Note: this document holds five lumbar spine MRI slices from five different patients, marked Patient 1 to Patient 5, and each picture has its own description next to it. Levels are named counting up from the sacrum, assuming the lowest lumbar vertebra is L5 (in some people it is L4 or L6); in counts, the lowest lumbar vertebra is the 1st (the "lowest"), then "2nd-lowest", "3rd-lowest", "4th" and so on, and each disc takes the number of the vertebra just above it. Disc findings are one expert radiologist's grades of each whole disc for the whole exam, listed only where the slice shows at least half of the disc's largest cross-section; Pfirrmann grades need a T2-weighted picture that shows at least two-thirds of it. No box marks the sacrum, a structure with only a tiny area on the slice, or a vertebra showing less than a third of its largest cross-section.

Patient 1 of 5:
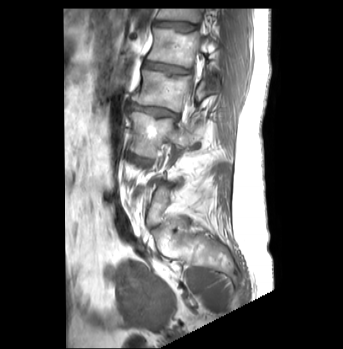 Slice 14 of 43 | Field of view 285x291 mm, slice spacing 3.2 mm | 343x349 px | Sagittal T1-weighted lumbar spine MRI

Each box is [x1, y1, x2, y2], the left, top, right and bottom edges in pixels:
4th vertebra: [133, 70, 221, 111].
3rd-lowest vertebra: [130, 111, 193, 158].
4th disc: [129, 102, 177, 120].
5th disc: [143, 60, 188, 74].
6th disc: [155, 21, 196, 31].
Thecal sac / spinal canal: [188, 65, 195, 89].
6th vertebra: [157, 9, 203, 22].
3rd-lowest disc: [128, 153, 151, 164].
5th vertebra: [147, 27, 219, 67].

Expert MSK radiologist gradings (per disc):
- 6th disc: upper-endplate change
- 4th disc: disc narrowing, Modic type II, disc bulging, lower-endplate change
- 5th disc: upper-endplate change

Patient 2 of 5:
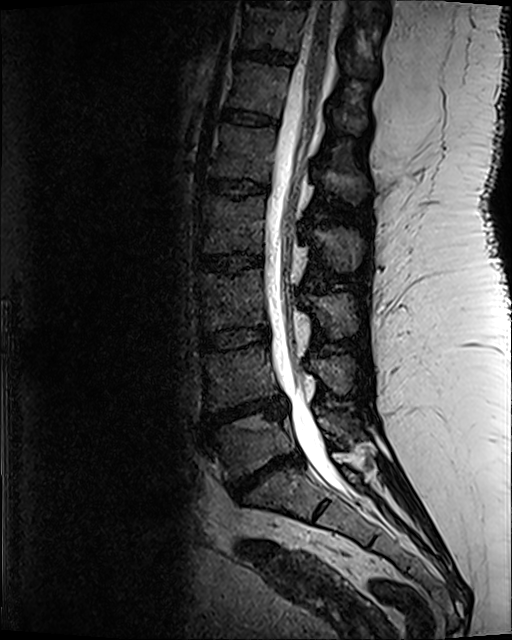 Field of view 240x300 mm, slice spacing 0.9 mm, Lumbar spine MR, T2 SPACE (3D), sagittal, Image 512x640
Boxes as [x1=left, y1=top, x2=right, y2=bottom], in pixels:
- 3rd-lowest disc = [x1=201, y1=328, x2=269, y2=350]
- 7th vertebra = [x1=243, y1=5, x2=374, y2=76]
- 4th disc = [x1=197, y1=255, x2=262, y2=273]
- 2nd-lowest disc = [x1=206, y1=397, x2=286, y2=423]
- thecal sac / spinal canal = [x1=265, y1=1, x2=357, y2=497]
- 6th disc = [x1=223, y1=109, x2=276, y2=123]
- 8th disc = [x1=255, y1=0, x2=309, y2=6]
- 3rd-lowest vertebra = [x1=198, y1=270, x2=356, y2=337]
- 6th vertebra = [x1=229, y1=63, x2=365, y2=133]
- 2nd-lowest vertebra = [x1=205, y1=347, x2=353, y2=409]
- 5th vertebra = [x1=212, y1=124, x2=367, y2=203]
- lowest disc = [x1=228, y1=452, x2=301, y2=499]
- lowest vertebra = [x1=211, y1=414, x2=349, y2=477]
- 5th disc = [x1=207, y1=178, x2=267, y2=194]
- 7th disc = [x1=238, y1=50, x2=290, y2=63]
- 4th vertebra = [x1=200, y1=197, x2=363, y2=270]

Expert MSK radiologist gradings (per disc):
  6th disc: Pfirrmann grade 3
  5th disc: Pfirrmann grade 3, lower-endplate change
  2nd-lowest disc: Pfirrmann grade 5, Modic type II, upper-endplate change, disc herniation, lower-endplate change, disc narrowing
  4th disc: Pfirrmann grade 3, upper-endplate change, lower-endplate change
  7th disc: Pfirrmann grade 3, lower-endplate change
  lowest disc: Pfirrmann grade 5, lower-endplate change, disc narrowing, Modic type II, disc herniation, upper-endplate change
  3rd-lowest disc: Pfirrmann grade 3

Patient 3 of 5:
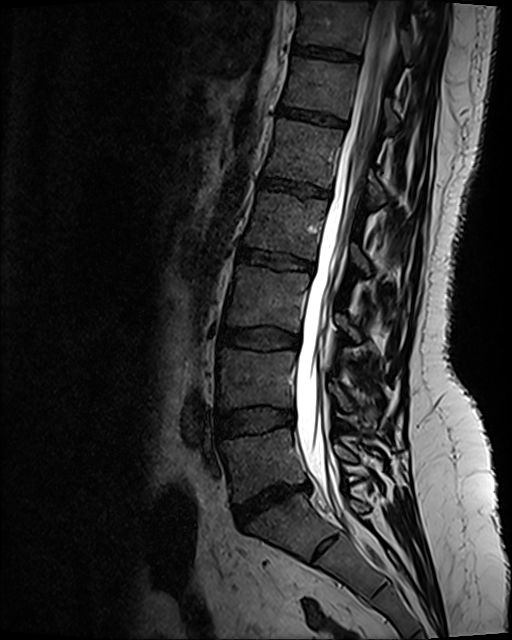
Lumbar spine MR, T2 SPACE (3D), sagittal. Slice 64/120. Slice spacing 0.9 mm.

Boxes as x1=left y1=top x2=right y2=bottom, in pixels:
Structures:
* L4/L5 — x1=216 y1=408 x2=293 y2=438
* IVD L5/S1 — x1=233 y1=485 x2=307 y2=528
* L1/L2 — x1=261 y1=179 x2=329 y2=198
* T11 — x1=298 y1=3 x2=410 y2=60
* L5 vertebra — x1=222 y1=429 x2=354 y2=501
* IVD L2/L3 — x1=238 y1=249 x2=314 y2=271
* L3/L4 — x1=221 y1=329 x2=298 y2=349
* IVD T12/L1 — x1=278 y1=106 x2=344 y2=129
* L2 — x1=245 y1=193 x2=369 y2=272
* L4 vertebra — x1=219 y1=349 x2=377 y2=424
* T12 — x1=285 y1=59 x2=398 y2=132
* spinal canal — x1=296 y1=1 x2=394 y2=509
* L3 — x1=227 y1=267 x2=360 y2=342
* L1 — x1=266 y1=120 x2=385 y2=204
* T11/T12 — x1=293 y1=47 x2=356 y2=60

Radiological gradings:
• L5/S1: Pfirrmann grade 1, disc bulging, disc herniation, disc narrowing
• L1/L2: Pfirrmann grade 2, upper-endplate change, lower-endplate change
• T11/T12: Pfirrmann grade 2
• T12/L1: Pfirrmann grade 2, upper-endplate change, lower-endplate change
• L2/L3: Pfirrmann grade 4, upper-endplate change, disc bulging, lower-endplate change
• L4/L5: Pfirrmann grade 2, disc bulging
• L3/L4: Pfirrmann grade 2, disc bulging

Patient 4 of 5:
448x448 px, Lumbar spine MR, T1-weighted, sagittal, Slice spacing 3.3 mm

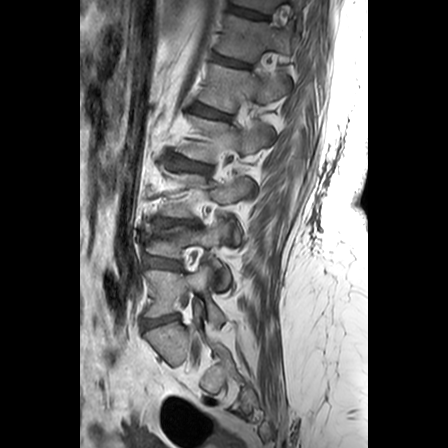
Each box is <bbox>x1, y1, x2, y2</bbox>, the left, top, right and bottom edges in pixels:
L2 = <bbox>179, 116, 272, 162</bbox>.
L3/L4 = <bbox>154, 218, 196, 226</bbox>.
T12/L1 = <bbox>215, 56, 250, 68</bbox>.
T11 vertebra = <bbox>234, 0, 304, 13</bbox>.
L2/L3 = <bbox>168, 155, 209, 172</bbox>.
L3 vertebra = <bbox>161, 167, 252, 242</bbox>.
L4 = <bbox>144, 220, 231, 287</bbox>.
L5 vertebra = <bbox>144, 265, 224, 326</bbox>.
IVD T11/T12 = <bbox>229, 5, 269, 19</bbox>.
IVD L5/S1 = <bbox>143, 314, 178, 328</bbox>.
L1 = <bbox>200, 64, 290, 112</bbox>.
L4/L5 = <bbox>143, 255, 180, 269</bbox>.
IVD L1/L2 = <bbox>195, 104, 230, 119</bbox>.
T12 = <bbox>217, 15, 296, 62</bbox>.

Per-level radiological findings:
• T12/L1: upper-endplate change, lower-endplate change
• L2/L3: upper-endplate change, lower-endplate change
• L1/L2: upper-endplate change
• T11/T12: lower-endplate change

Patient 5 of 5:
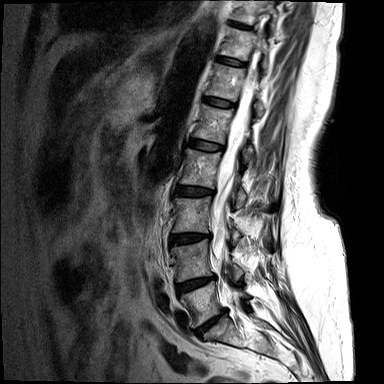 Slice 10/15 | T2-weighted sagittal MRI of the lumbar spine | Field of view 280x280 mm
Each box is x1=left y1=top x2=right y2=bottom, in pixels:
{"L3/L4 (3rd-lowest disc)": "x1=170 y1=233 x2=211 y2=245", "T10/T11 (8th disc)": "x1=230 y1=21 x2=251 y2=29", "L3 (3rd-lowest vertebra)": "x1=172 y1=197 x2=241 y2=244", "L5 (lowest vertebra)": "x1=180 y1=281 x2=247 y2=328", "L4/L5 (2nd-lowest disc)": "x1=176 y1=275 x2=216 y2=293", "spinal canal": "x1=212 y1=46 x2=260 y2=263", "L2 (4th vertebra)": "x1=180 y1=149 x2=278 y2=210", "T11 (7th vertebra)": "x1=220 y1=27 x2=269 y2=70", "L1 (5th vertebra)": "x1=193 y1=104 x2=253 y2=167", "intervertebral disc T12/L1 (6th disc)": "x1=204 y1=98 x2=235 y2=107", "T10 (8th vertebra)": "x1=230 y1=0 x2=278 y2=29", "intervertebral disc L5/S1 (lowest disc)": "x1=195 y1=311 x2=225 y2=335", "intervertebral disc L2/L3 (4th disc)": "x1=175 y1=186 x2=213 y2=196", "L4 (2nd-lowest vertebra)": "x1=171 y1=239 x2=243 y2=281", "L1/L2 (5th disc)": "x1=189 y1=139 x2=223 y2=150", "T11/T12 (7th disc)": "x1=218 y1=57 x2=244 y2=66", "T12 (6th vertebra)": "x1=206 y1=63 x2=264 y2=116"}

Expert MSK radiologist gradings (per disc):
- L5/S1 (lowest disc): Modic type II, disc bulging, disc narrowing
- T11/T12 (7th disc): Pfirrmann grade 3
- L2/L3 (4th disc): Pfirrmann grade 3, Modic type II, disc bulging
- L3/L4 (3rd-lowest disc): Pfirrmann grade 4, disc bulging, disc narrowing
- L1/L2 (5th disc): Pfirrmann grade 3, Modic type II
- L4/L5 (2nd-lowest disc): Pfirrmann grade 4, disc narrowing, disc bulging
- T12/L1 (6th disc): Pfirrmann grade 3
- T10/T11 (8th disc): no Modic or endplate change, herniation, narrowing, bulging or spondylolisthesis recorded